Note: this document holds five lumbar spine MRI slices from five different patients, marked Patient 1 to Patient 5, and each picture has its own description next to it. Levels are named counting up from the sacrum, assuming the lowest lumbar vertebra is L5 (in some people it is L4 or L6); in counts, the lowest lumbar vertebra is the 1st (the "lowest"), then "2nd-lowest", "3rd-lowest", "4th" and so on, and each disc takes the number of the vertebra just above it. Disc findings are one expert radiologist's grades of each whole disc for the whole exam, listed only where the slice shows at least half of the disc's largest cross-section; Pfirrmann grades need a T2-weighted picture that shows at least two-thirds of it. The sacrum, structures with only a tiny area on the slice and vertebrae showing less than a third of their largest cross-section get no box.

Patient 1 of 5:
MRI lumbar spine (T1-weighted), sagittal plane | Image 512x512 | Slice 9/19

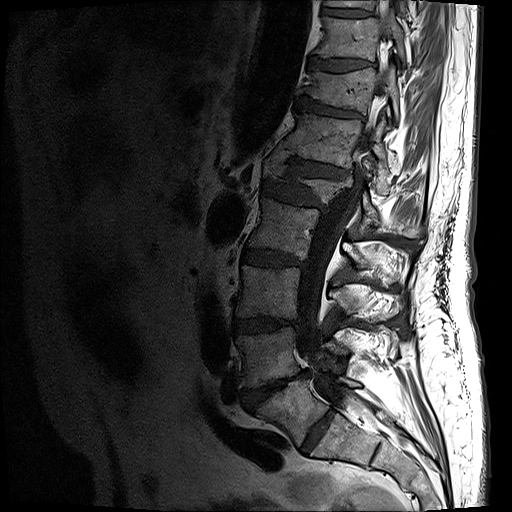
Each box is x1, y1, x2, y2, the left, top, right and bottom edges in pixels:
Annotations:
• 8th disc at 308, 56, 372, 71
• lowest disc at 302, 410, 335, 451
• 9th disc at 323, 8, 371, 18
• lowest vertebra at 257, 377, 361, 445
• 4th disc at 241, 249, 306, 267
• 8th vertebra at 315, 12, 405, 63
• 5th vertebra at 263, 152, 420, 237
• 3rd-lowest disc at 233, 317, 299, 333
• 6th disc at 277, 147, 346, 177
• 7th vertebra at 302, 65, 398, 121
• 4th vertebra at 248, 198, 367, 267
• 7th disc at 296, 97, 361, 117
• 5th disc at 261, 180, 325, 207
• 2nd-lowest vertebra at 236, 327, 347, 387
• thecal sac / spinal canal at 296, 40, 403, 442
• 6th vertebra at 282, 113, 392, 193
• 3rd-lowest vertebra at 235, 265, 358, 319
• 9th vertebra at 326, 0, 407, 15
• 2nd-lowest disc at 242, 371, 309, 410

Per-level radiological findings:
- 2nd-lowest disc: disc narrowing, disc herniation, upper-endplate change, disc bulging, Modic type II, lower-endplate change
- 3rd-lowest disc: disc bulging, upper-endplate change, disc narrowing, lower-endplate change
- 6th disc: lower-endplate change, disc bulging, upper-endplate change, disc narrowing
- 7th disc: upper-endplate change, disc bulging, lower-endplate change, disc narrowing
- 4th disc: Modic type II, upper-endplate change, disc narrowing, lower-endplate change, disc bulging
- 9th disc: lower-endplate change
- 5th disc: disc narrowing, upper-endplate change, lower-endplate change, disc bulging
- 8th disc: disc bulging, lower-endplate change, upper-endplate change
- lowest disc: no Modic or endplate change, herniation, narrowing, bulging or spondylolisthesis recorded

Patient 2 of 5:
Image 509x512. Slice 15/26. MRI lumbar spine (T1-weighted), sagittal plane. Sex M.
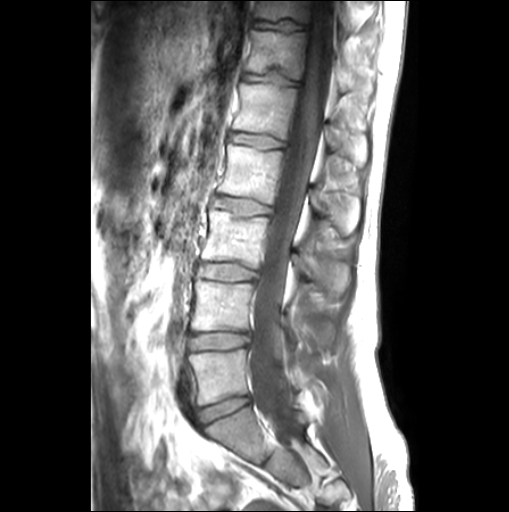
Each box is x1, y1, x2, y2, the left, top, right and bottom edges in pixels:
IVD L2/L3: 213, 196, 271, 214 | L5/S1: 198, 396, 250, 424 | L4/L5: 190, 333, 249, 348 | L4 vertebra: 191, 279, 297, 340 | T12: 246, 30, 359, 91 | IVD T12/L1: 243, 73, 298, 85 | L1 vertebra: 233, 83, 367, 165 | IVD L3/L4: 199, 263, 257, 281 | IVD L1/L2: 229, 132, 283, 147 | spinal canal: 250, 0, 333, 442 | L2: 217, 143, 361, 232 | T11/T12: 252, 19, 307, 30 | L5 vertebra: 189, 349, 299, 405 | T11: 254, 0, 354, 31 | L3 vertebra: 201, 208, 349, 294

Radiological gradings:
  T11/T12: lower-endplate change, upper-endplate change
  L1/L2: Modic type II
  T12/L1: lower-endplate change, upper-endplate change
  L2/L3, L4/L5, L5/S1, L3/L4: no Modic or endplate change, herniation, narrowing, bulging or spondylolisthesis recorded

Patient 3 of 5:
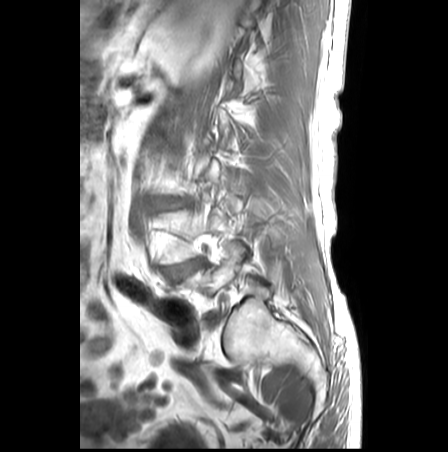

MRI lumbar spine (T1-weighted), sagittal plane; Sex M; 448x452 px
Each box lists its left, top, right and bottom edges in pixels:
L5 (lowest vertebra) at left=183, top=243, right=244, bottom=294; L4/L5 (2nd-lowest disc) at left=167, top=259, right=202, bottom=279.

Patient 4 of 5:
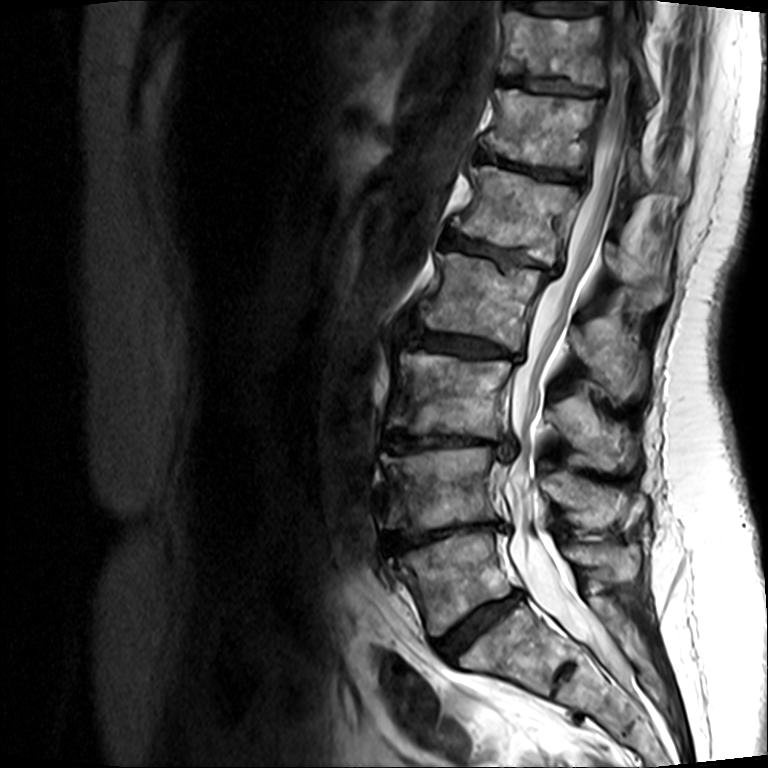 Slice spacing 4.4 mm; MRI lumbar spine (T2-weighted), sagittal plane; Sagittal slice index 7
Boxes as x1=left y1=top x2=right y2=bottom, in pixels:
{"5th vertebra": "x1=453 y1=164 x2=669 y2=308", "5th disc": "x1=443 y1=230 x2=556 y2=271", "lowest disc": "x1=435 y1=591 x2=521 y2=659", "lowest vertebra": "x1=399 y1=531 x2=642 y2=634", "2nd-lowest disc": "x1=385 y1=518 x2=508 y2=552", "7th disc": "x1=499 y1=71 x2=596 y2=95", "3rd-lowest disc": "x1=382 y1=429 x2=512 y2=458", "4th disc": "x1=402 y1=322 x2=516 y2=359", "7th vertebra": "x1=502 y1=9 x2=659 y2=104", "6th vertebra": "x1=488 y1=88 x2=689 y2=194", "6th disc": "x1=477 y1=148 x2=578 y2=181", "thecal sac / spinal canal": "x1=501 y1=0 x2=634 y2=680", "2nd-lowest vertebra": "x1=381 y1=446 x2=628 y2=527", "3rd-lowest vertebra": "x1=388 y1=350 x2=633 y2=470", "4th vertebra": "x1=413 y1=251 x2=648 y2=398"}

Per-level radiological findings:
  5th disc: Pfirrmann grade 4, Modic type II, disc bulging, upper-endplate change, lower-endplate change, disc narrowing
  7th disc: Pfirrmann grade 3, disc narrowing, lower-endplate change, Modic type II, upper-endplate change
  lowest disc: Pfirrmann grade 3, disc narrowing, upper-endplate change, lower-endplate change, Modic type II, disc bulging
  3rd-lowest disc: Pfirrmann grade 5, Modic type II, disc herniation, upper-endplate change, lower-endplate change, disc narrowing
  6th disc: Pfirrmann grade 5, Modic type II, lower-endplate change, upper-endplate change, disc narrowing, disc bulging
  4th disc: Pfirrmann grade 3, disc bulging, Modic type II, upper-endplate change, disc narrowing, lower-endplate change
  2nd-lowest disc: Pfirrmann grade 5, disc narrowing, upper-endplate change, disc herniation, Modic type II, lower-endplate change

Patient 5 of 5:
Lumbar spine MR, T1-weighted, sagittal. 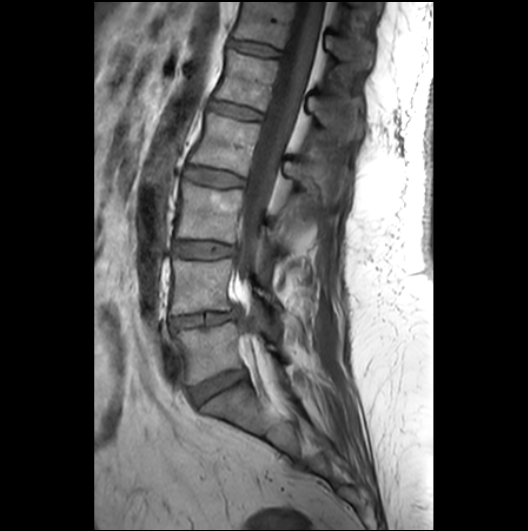
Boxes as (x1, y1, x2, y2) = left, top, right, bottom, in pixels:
4th vertebra: (191, 112, 332, 198)
5th vertebra: (214, 48, 363, 140)
2nd-lowest disc: (168, 307, 238, 329)
5th disc: (208, 100, 263, 119)
6th vertebra: (233, 1, 372, 67)
2nd-lowest vertebra: (171, 259, 280, 314)
3rd-lowest vertebra: (177, 183, 285, 249)
lowest disc: (191, 369, 245, 404)
4th disc: (185, 166, 244, 187)
lowest vertebra: (175, 322, 279, 383)
3rd-lowest disc: (175, 241, 235, 258)
6th disc: (230, 39, 279, 55)
spinal canal: (237, 2, 323, 370)

Degenerative findings by level:
  2nd-lowest disc: disc narrowing, disc herniation
  5th disc, 6th disc, 4th disc, lowest disc, 3rd-lowest disc: no spondylolisthesis, narrowing, bulging, herniation, Modic or endplate change recorded